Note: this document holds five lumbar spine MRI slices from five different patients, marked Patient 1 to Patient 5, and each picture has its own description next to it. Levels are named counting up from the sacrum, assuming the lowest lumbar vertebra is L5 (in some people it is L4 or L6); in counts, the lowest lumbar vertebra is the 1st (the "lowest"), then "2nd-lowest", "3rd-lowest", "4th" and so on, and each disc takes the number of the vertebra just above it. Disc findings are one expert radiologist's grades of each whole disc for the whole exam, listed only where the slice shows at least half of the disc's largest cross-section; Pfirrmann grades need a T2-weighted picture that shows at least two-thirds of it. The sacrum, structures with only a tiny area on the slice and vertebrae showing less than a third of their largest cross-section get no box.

Patient 1 of 5:
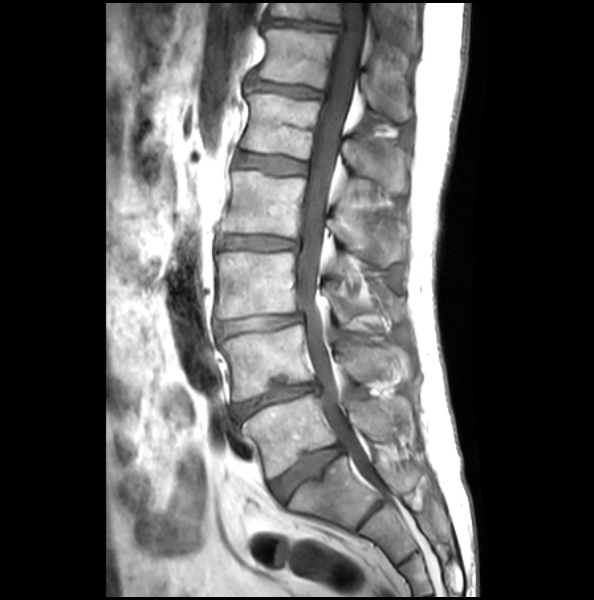
MRI lumbar spine (T1-weighted), sagittal plane

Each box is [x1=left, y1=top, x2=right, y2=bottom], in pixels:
L4 at [x1=220, y1=324, x2=411, y2=401].
Thecal sac / spinal canal at [x1=296, y1=3, x2=370, y2=477].
Disc L2/L3 at [x1=219, y1=236, x2=297, y2=250].
L5 at [x1=243, y1=394, x2=414, y2=478].
Disc L4/L5 at [x1=233, y1=383, x2=319, y2=421].
L1 vertebra at [x1=241, y1=94, x2=407, y2=193].
Disc L5/S1 at [x1=270, y1=445, x2=342, y2=501].
Disc L3/L4 at [x1=216, y1=314, x2=303, y2=338].
T11 at [x1=272, y1=3, x2=419, y2=51].
L2 vertebra at [x1=223, y1=171, x2=406, y2=266].
L3 at [x1=216, y1=253, x2=403, y2=325].
Disc T12/L1 at [x1=252, y1=81, x2=320, y2=98].
T11/T12 at [x1=266, y1=19, x2=340, y2=32].
T12 at [x1=255, y1=29, x2=411, y2=121].
Disc L1/L2 at [x1=236, y1=153, x2=305, y2=174].

Radiological gradings:
• T11/T12: disc bulging, upper-endplate change, lower-endplate change
• T12/L1: upper-endplate change, disc bulging
• L4/L5: disc bulging, disc narrowing, lower-endplate change
• L2/L3: disc bulging, disc narrowing
• L1/L2: upper-endplate change
• L3/L4: disc narrowing, disc bulging
• L5/S1: lower-endplate change, upper-endplate change

Patient 2 of 5:
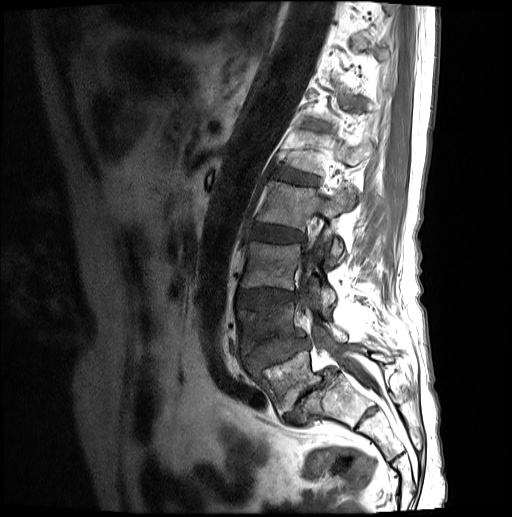 Sagittal T1-weighted lumbar spine MRI. Slice 16/24.
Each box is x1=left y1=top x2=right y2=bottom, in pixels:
L4 vertebra — x1=236 y1=303 x2=347 y2=353.
IVD L3/L4 — x1=236 y1=288 x2=297 y2=308.
T12/L1 — x1=310 y1=123 x2=326 y2=129.
L1 — x1=286 y1=130 x2=374 y2=175.
IVD L4/L5 — x1=242 y1=337 x2=311 y2=368.
IVD L2/L3 — x1=250 y1=225 x2=304 y2=242.
L5/S1 — x1=283 y1=369 x2=336 y2=424.
L2 — x1=257 y1=181 x2=353 y2=265.
Thecal sac / spinal canal — x1=298 y1=227 x2=380 y2=393.
L5 — x1=247 y1=348 x2=393 y2=414.
L3 — x1=240 y1=242 x2=336 y2=315.
IVD L1/L2 — x1=276 y1=168 x2=318 y2=184.

Expert MSK radiologist gradings (per disc):
- L5/S1: Modic type II, spondylolisthesis, disc narrowing, disc herniation
- L3/L4: lower-endplate change, disc bulging, upper-endplate change
- L2/L3: disc bulging
- L4/L5: disc narrowing, upper-endplate change, lower-endplate change, disc herniation, spondylolisthesis
- L1/L2: no spondylolisthesis, narrowing, bulging, herniation, Modic or endplate change recorded

Patient 3 of 5:
Lumbar spine MR, T2-weighted, sagittal
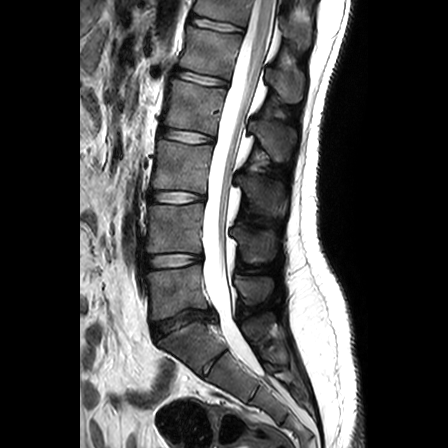
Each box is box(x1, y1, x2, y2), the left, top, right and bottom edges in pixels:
Segmented structures:
- L5 = box(146, 265, 272, 319)
- T12 = box(194, 0, 311, 48)
- L5/S1 = box(151, 310, 218, 339)
- thecal sac / spinal canal = box(202, 0, 275, 372)
- L1 = box(181, 26, 303, 102)
- L3/L4 = box(150, 191, 204, 202)
- L2/L3 = box(159, 128, 213, 142)
- L2 vertebra = box(164, 79, 296, 160)
- L4 = box(147, 204, 273, 262)
- L3 vertebra = box(152, 140, 281, 214)
- disc L1/L2 = box(175, 68, 227, 86)
- disc L4/L5 = box(146, 254, 201, 268)
- T12/L1 = box(191, 15, 242, 32)

Radiological gradings:
• L5/S1: Pfirrmann grade 3, Modic type II, disc herniation, lower-endplate change, upper-endplate change
• L1/L2: Pfirrmann grade 1
• T12/L1: Pfirrmann grade 1
• L2/L3: Pfirrmann grade 1
• L4/L5: Pfirrmann grade 1
• L3/L4: Pfirrmann grade 1

Patient 4 of 5:
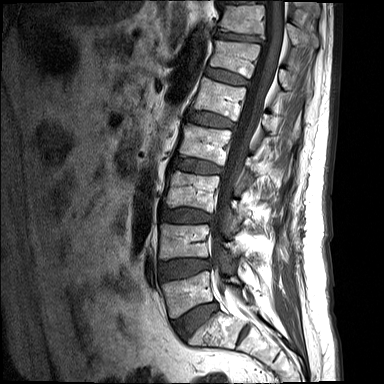

T1-weighted sagittal MRI of the lumbar spine; 384x384 px; Sagittal slice index 6

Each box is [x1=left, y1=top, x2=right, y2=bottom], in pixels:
Thecal sac / spinal canal: [x1=211, y1=0, x2=284, y2=292].
L2: [x1=179, y1=124, x2=255, y2=179].
L1/L2: [x1=188, y1=111, x2=235, y2=128].
T11/T12: [x1=215, y1=31, x2=261, y2=43].
L5: [x1=162, y1=271, x2=241, y2=317].
T12 vertebra: [x1=210, y1=40, x2=289, y2=87].
T12/L1: [x1=206, y1=67, x2=249, y2=85].
IVD L3/L4: [x1=161, y1=208, x2=212, y2=223].
L4 vertebra: [x1=160, y1=224, x2=240, y2=259].
L1 vertebra: [x1=192, y1=77, x2=299, y2=137].
L5/S1: [x1=173, y1=302, x2=217, y2=338].
L2/L3: [x1=174, y1=158, x2=223, y2=173].
L4/L5: [x1=160, y1=259, x2=210, y2=280].
T11 vertebra: [x1=219, y1=5, x2=317, y2=46].
L3 vertebra: [x1=164, y1=171, x2=244, y2=230].

Radiological gradings:
  L5/S1: disc bulging
  L1/L2: lower-endplate change, upper-endplate change
  L3/L4: disc bulging, lower-endplate change, upper-endplate change
  T11/T12: lower-endplate change, upper-endplate change, disc narrowing
  L2/L3: upper-endplate change, disc bulging, lower-endplate change
  L4/L5: disc bulging
  T12/L1: no spondylolisthesis, narrowing, bulging, herniation, Modic or endplate change recorded

Patient 5 of 5:
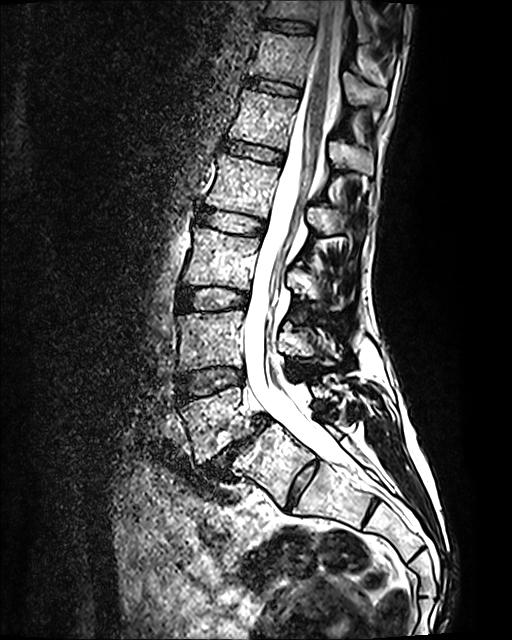
Lumbar spine MR, T2 SPACE (3D), sagittal, Patient sex: F, Slice 63 of 120

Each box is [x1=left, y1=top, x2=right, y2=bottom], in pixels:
Intervertebral disc L4/L5 (2nd-lowest disc) at [x1=177, y1=367, x2=243, y2=402], thecal sac / spinal canal at [x1=242, y1=0, x2=351, y2=470], T12 (6th vertebra) at [x1=249, y1=31, x2=387, y2=108], L1 (5th vertebra) at [x1=229, y1=89, x2=373, y2=175], T12/L1 (6th disc) at [x1=245, y1=78, x2=299, y2=95], T11 (7th vertebra) at [x1=266, y1=0, x2=366, y2=41], intervertebral disc L1/L2 (5th disc) at [x1=224, y1=141, x2=283, y2=163], T11/T12 (7th disc) at [x1=261, y1=19, x2=314, y2=32], L3 (3rd-lowest vertebra) at [x1=183, y1=227, x2=348, y2=310], L5 (lowest vertebra) at [x1=180, y1=382, x2=343, y2=462], intervertebral disc L5/S1 (lowest disc) at [x1=201, y1=415, x2=270, y2=478], L2 (4th vertebra) at [x1=205, y1=153, x2=361, y2=240], L2/L3 (4th disc) at [x1=197, y1=207, x2=264, y2=235], L3/L4 (3rd-lowest disc) at [x1=178, y1=288, x2=247, y2=310], L4 (2nd-lowest vertebra) at [x1=177, y1=310, x2=333, y2=370].

Degenerative findings by level:
• L4/L5 (2nd-lowest disc): Pfirrmann grade 2
• L3/L4 (3rd-lowest disc): Pfirrmann grade 2
• L1/L2 (5th disc): Pfirrmann grade 2
• T12/L1 (6th disc): Pfirrmann grade 2
• T11/T12 (7th disc): Pfirrmann grade 2
• L5/S1 (lowest disc): Pfirrmann grade 5, spondylolisthesis, disc bulging, Modic type II, disc narrowing
• L2/L3 (4th disc): Pfirrmann grade 2